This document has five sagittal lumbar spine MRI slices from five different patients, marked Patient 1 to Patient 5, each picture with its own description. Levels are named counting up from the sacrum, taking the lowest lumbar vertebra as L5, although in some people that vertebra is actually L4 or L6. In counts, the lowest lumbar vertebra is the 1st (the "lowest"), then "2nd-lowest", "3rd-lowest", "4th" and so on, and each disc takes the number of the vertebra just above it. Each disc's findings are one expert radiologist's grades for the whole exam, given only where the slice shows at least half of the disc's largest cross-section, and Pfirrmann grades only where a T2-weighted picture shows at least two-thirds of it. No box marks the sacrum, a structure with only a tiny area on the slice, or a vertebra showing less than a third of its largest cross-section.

Patient 1 of 5:
Philips Healthcare Ingenia (3T); Sex M; Sagittal T2-weighted lumbar spine MRI; Sagittal slice index 21

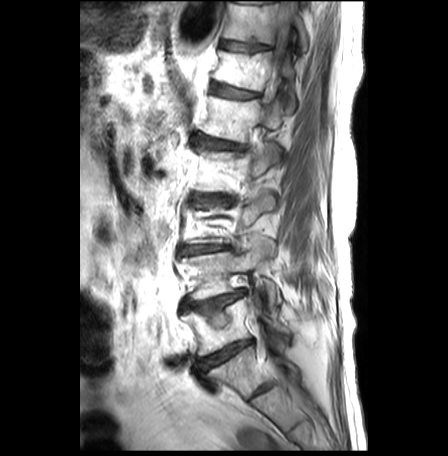
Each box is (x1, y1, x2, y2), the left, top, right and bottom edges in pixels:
L1/L2 at (193, 135, 245, 150), T12 at (213, 50, 297, 112), L4/L5 at (182, 290, 246, 324), intervertebral disc L5/S1 at (198, 340, 251, 371), intervertebral disc T11/T12 at (220, 39, 271, 52), T11 vertebra at (223, 1, 308, 51), thecal sac / spinal canal at (272, 19, 289, 77), T12/L1 at (211, 82, 259, 98), intervertebral disc L3/L4 at (180, 245, 231, 254), L5 vertebra at (182, 294, 287, 356), L4 at (179, 240, 281, 312), L1 vertebra at (200, 95, 282, 142), L2/L3 at (198, 195, 230, 203).

Per-level radiological findings:
- L5/S1: Pfirrmann grade 5, Modic type II, disc bulging, disc narrowing
- L1/L2: Pfirrmann grade 3, Modic type II, disc bulging, upper-endplate change, lower-endplate change
- L4/L5: Pfirrmann grade 2, lower-endplate change, Modic type II, disc bulging, upper-endplate change
- T11/T12: Pfirrmann grade 1, lower-endplate change, upper-endplate change, Modic type II
- T12/L1: Pfirrmann grade 3, lower-endplate change, disc bulging, Modic type II, upper-endplate change

Patient 2 of 5:
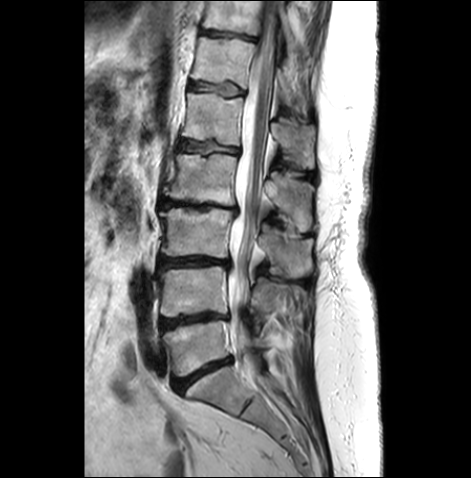 Field of view 281x281 mm, slice spacing 3.3 mm; Sagittal T2-weighted lumbar spine MRI
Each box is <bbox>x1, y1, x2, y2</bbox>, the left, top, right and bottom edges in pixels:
IVD L3/L4 at <bbox>159, 256, 230, 269</bbox>, IVD T12/L1 at <bbox>189, 82, 242, 96</bbox>, L5 vertebra at <bbox>162, 320, 267, 376</bbox>, L2 vertebra at <bbox>165, 154, 313, 231</bbox>, thecal sac / spinal canal at <bbox>227, 1, 277, 373</bbox>, L2/L3 at <bbox>159, 199, 237, 213</bbox>, L3 at <bbox>160, 208, 312, 277</bbox>, L1/L2 at <bbox>179, 140, 237, 153</bbox>, L1 at <bbox>182, 93, 315, 168</bbox>, T11/T12 at <bbox>201, 30, 257, 41</bbox>, T12 vertebra at <bbox>191, 37, 307, 104</bbox>, L4/L5 at <bbox>159, 312, 226, 330</bbox>, L4 at <bbox>159, 265, 288, 316</bbox>, T11 vertebra at <bbox>203, 1, 296, 50</bbox>, L5/S1 at <bbox>173, 358, 232, 392</bbox>.

Degenerative findings by level:
• L3/L4: Pfirrmann grade 4, Modic type II, disc bulging, disc narrowing
• L1/L2: Pfirrmann grade 3, upper-endplate change, disc bulging, lower-endplate change, Modic type II
• L5/S1: Pfirrmann grade 4, disc narrowing, Modic type II, disc bulging
• T11/T12: Pfirrmann grade 3, lower-endplate change, upper-endplate change, disc bulging
• T12/L1: Pfirrmann grade 3, lower-endplate change, disc bulging, upper-endplate change
• L4/L5: Pfirrmann grade 4, disc bulging, lower-endplate change, disc narrowing, Modic type II, upper-endplate change
• L2/L3: disc narrowing, Modic type II, disc bulging, upper-endplate change, lower-endplate change

Patient 3 of 5:
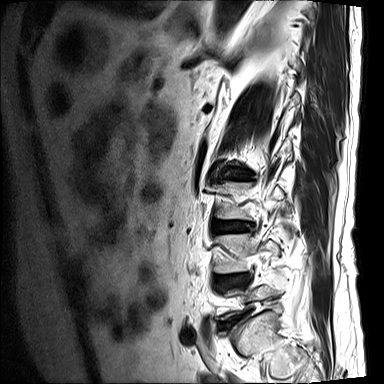
Sagittal T2-weighted lumbar spine MRI, Sagittal slice index 12, Image 384x384
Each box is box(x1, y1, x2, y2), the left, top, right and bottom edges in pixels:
Structures:
- L4 at box(214, 233, 279, 273)
- intervertebral disc L3/L4 at box(215, 222, 251, 233)
- L2/L3 at box(231, 173, 250, 178)
- L4/L5 at box(216, 275, 248, 287)

Per-level radiological findings:
- L3/L4: disc bulging, lower-endplate change, Modic type II, upper-endplate change
- L4/L5: disc narrowing, lower-endplate change, Modic type II, upper-endplate change, disc bulging

Patient 4 of 5:
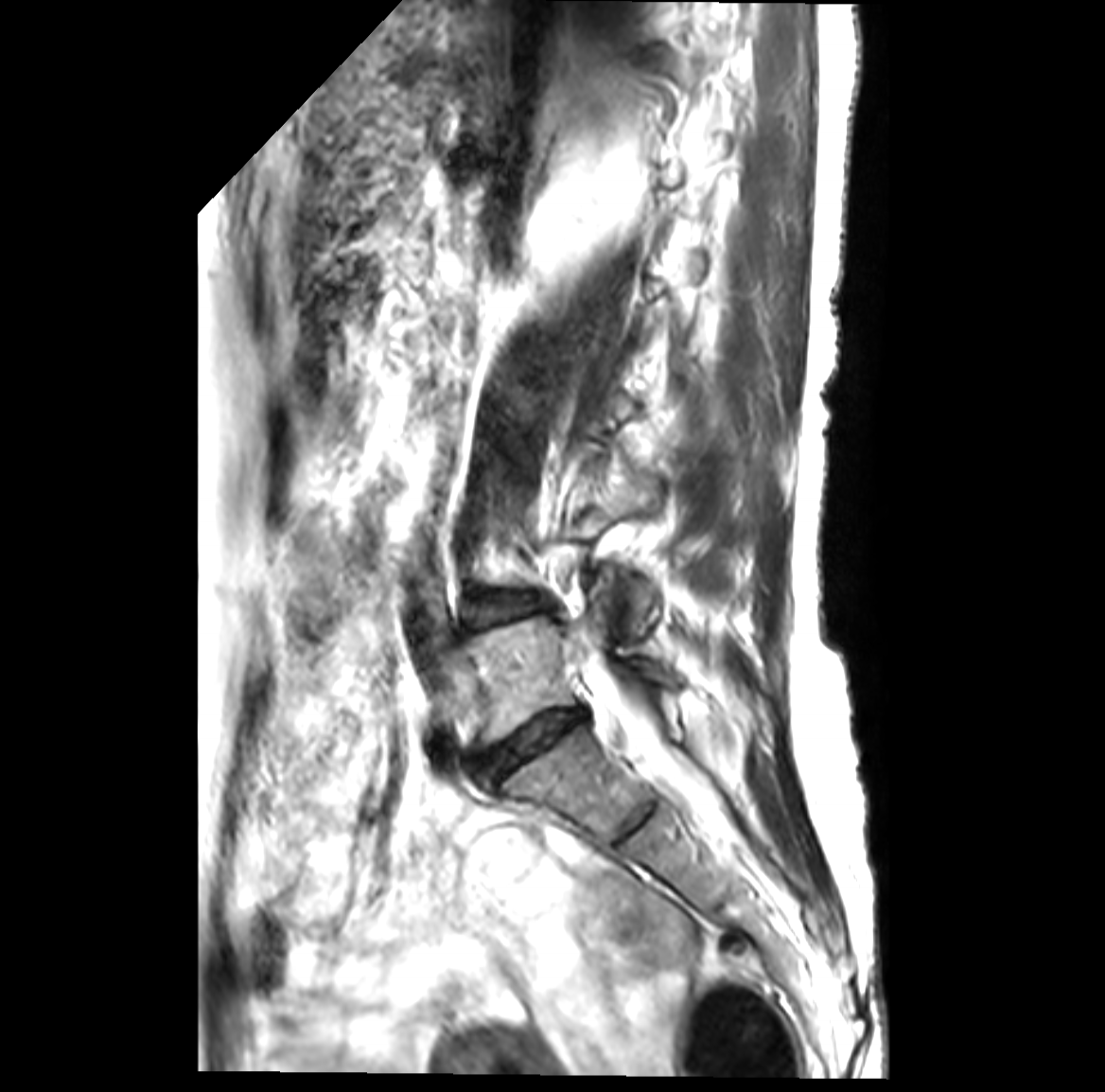 Image 1105x1092. Lumbar spine MR, T2-weighted, sagittal.
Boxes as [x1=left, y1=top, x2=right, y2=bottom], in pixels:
2nd-lowest disc: [x1=471, y1=594, x2=542, y2=625] | lowest vertebra: [x1=471, y1=600, x2=677, y2=741] | lowest disc: [x1=479, y1=713, x2=581, y2=775] | spinal canal: [x1=593, y1=667, x2=729, y2=837]

Expert MSK radiologist gradings (per disc):
• lowest disc: Pfirrmann grade 4, disc bulging, Modic type II, disc narrowing

Patient 5 of 5:
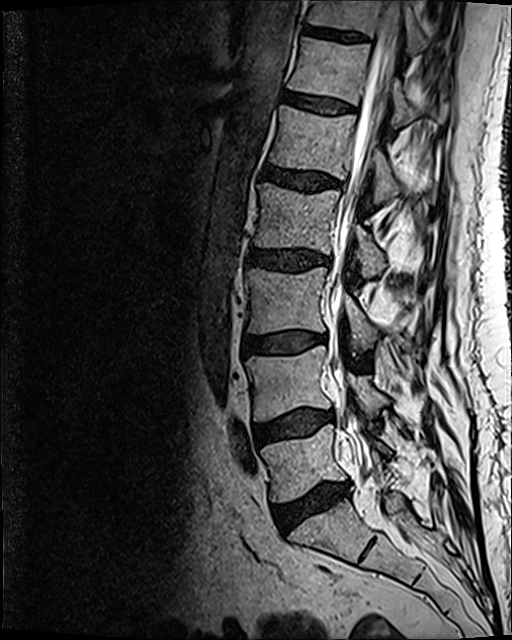 Image 512x640 | Lumbar spine MR, T2 SPACE (3D), sagittal

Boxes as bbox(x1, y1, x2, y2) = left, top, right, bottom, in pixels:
* IVD T11/T12 (7th disc): bbox(302, 25, 368, 42)
* T11 (7th vertebra): bbox(307, 0, 456, 55)
* L3/L4 (3rd-lowest disc): bbox(242, 330, 326, 353)
* L1 (5th vertebra): bbox(270, 105, 437, 204)
* L3 (3rd-lowest vertebra): bbox(245, 267, 377, 350)
* T12/L1 (6th disc): bbox(285, 93, 355, 113)
* L2/L3 (4th disc): bbox(251, 249, 327, 270)
* spinal canal: bbox(329, 0, 403, 471)
* L4 (2nd-lowest vertebra): bbox(245, 347, 389, 421)
* IVD L5/S1 (lowest disc): bbox(274, 483, 349, 529)
* L1/L2 (5th disc): bbox(258, 163, 341, 191)
* T12 (6th vertebra): bbox(287, 37, 449, 127)
* L5 (lowest vertebra): bbox(260, 424, 391, 501)
* L2 (4th vertebra): bbox(255, 182, 385, 278)
* IVD L4/L5 (2nd-lowest disc): bbox(255, 410, 332, 444)

Expert MSK radiologist gradings (per disc):
• L1/L2 (5th disc): Pfirrmann grade 3, disc bulging
• T11/T12 (7th disc): Pfirrmann grade 3
• T12/L1 (6th disc): Pfirrmann grade 2
• L3/L4 (3rd-lowest disc): Pfirrmann grade 2, Modic type II, disc bulging
• L2/L3 (4th disc): Pfirrmann grade 3, disc bulging
• L4/L5 (2nd-lowest disc): Pfirrmann grade 2, Modic type II, disc bulging
• L5/S1 (lowest disc): Pfirrmann grade 3, disc narrowing, disc bulging, Modic type II